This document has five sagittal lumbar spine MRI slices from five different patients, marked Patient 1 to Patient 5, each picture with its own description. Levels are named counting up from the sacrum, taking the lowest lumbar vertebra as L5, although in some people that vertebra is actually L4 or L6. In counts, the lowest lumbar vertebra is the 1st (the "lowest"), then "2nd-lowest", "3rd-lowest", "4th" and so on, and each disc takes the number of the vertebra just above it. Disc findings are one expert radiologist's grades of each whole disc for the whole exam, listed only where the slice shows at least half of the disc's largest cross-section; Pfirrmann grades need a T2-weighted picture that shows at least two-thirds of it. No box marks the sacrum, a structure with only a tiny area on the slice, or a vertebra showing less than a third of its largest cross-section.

Patient 1 of 5:
Scanner: Philips Healthcare Ingenia (3T). Sagittal T1-weighted lumbar spine MRI. Slice 8 of 24. Slice spacing 3.3 mm.
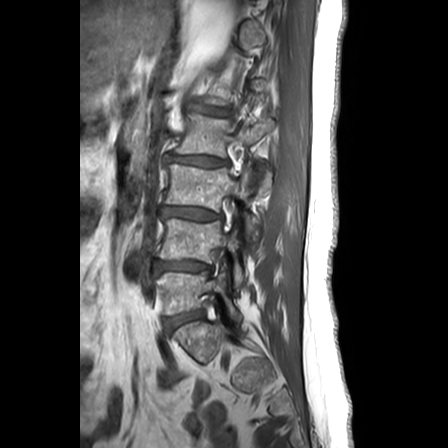
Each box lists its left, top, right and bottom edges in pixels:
Segmented structures:
• L1/L2 at left=196, top=106, right=229, bottom=115
• L2 vertebra at left=177, top=114, right=274, bottom=157
• L4 at left=160, top=219, right=245, bottom=284
• L4/L5 at left=156, top=261, right=210, bottom=272
• IVD L5/S1 at left=164, top=309, right=204, bottom=329
• L3 at left=167, top=164, right=257, bottom=238
• L2/L3 at left=168, top=154, right=226, bottom=166
• L5 at left=157, top=264, right=240, bottom=319
• IVD L3/L4 at left=163, top=206, right=221, bottom=220

Per-level radiological findings:
- L4/L5: upper-endplate change, Modic type II, lower-endplate change, disc bulging
- L1/L2: disc narrowing, disc bulging
- L3/L4: disc narrowing, lower-endplate change, disc bulging, upper-endplate change, Modic type II
- L2/L3: upper-endplate change, disc narrowing, disc bulging, Modic type II, lower-endplate change

Patient 2 of 5:
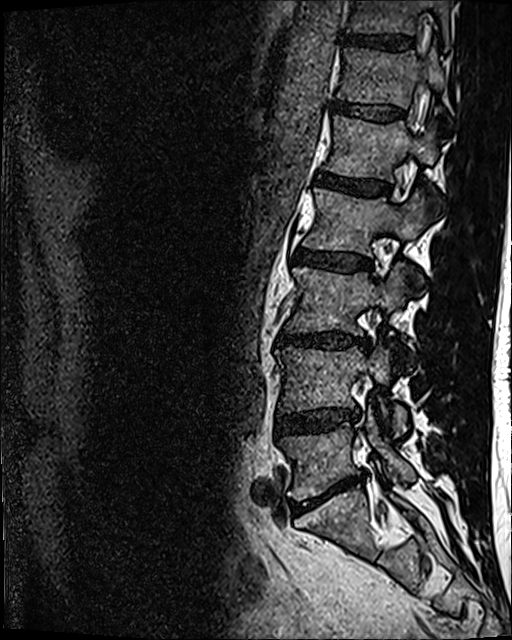
Sagittal slice index 46. Lumbar spine MR, T2 SPACE (3D), sagittal. Field of view 240x300 mm. Patient sex: M.
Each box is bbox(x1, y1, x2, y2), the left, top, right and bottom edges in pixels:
L5 vertebra: bbox(279, 409, 415, 499).
T12/L1: bbox(331, 102, 404, 119).
L3/L4: bbox(276, 331, 367, 348).
L4/L5: bbox(276, 408, 359, 433).
L1 vertebra: bbox(325, 115, 437, 181).
T11/T12: bbox(341, 34, 413, 51).
T12 vertebra: bbox(337, 47, 443, 106).
L2/L3: bbox(294, 249, 372, 271).
T11 vertebra: bbox(347, 0, 449, 48).
IVD L5/S1: bbox(291, 474, 360, 511).
L4: bbox(276, 345, 407, 434).
L3 vertebra: bbox(287, 265, 414, 351).
L2 vertebra: bbox(303, 187, 429, 255).
L1/L2: bbox(315, 172, 389, 196).

Radiological gradings:
  L1/L2: Pfirrmann grade 4
  L4/L5: Pfirrmann grade 3, disc narrowing, disc bulging
  L2/L3: Pfirrmann grade 3, disc bulging
  T11/T12: Pfirrmann grade 4
  L3/L4: Pfirrmann grade 4, disc narrowing, lower-endplate change, disc bulging
  T12/L1: Pfirrmann grade 3

Patient 3 of 5:
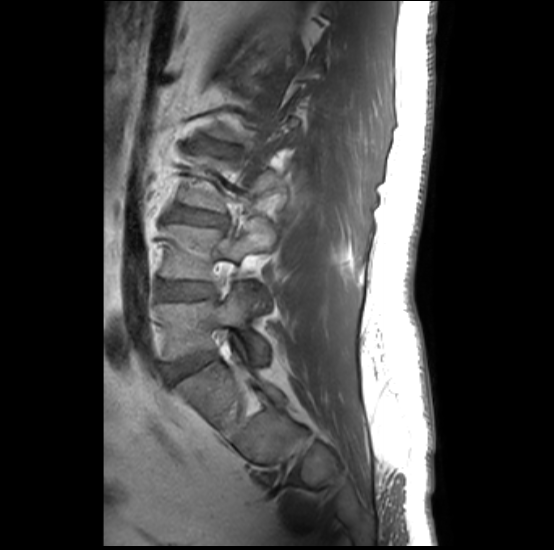 Slice 10 of 32, MRI lumbar spine (T1-weighted), sagittal plane
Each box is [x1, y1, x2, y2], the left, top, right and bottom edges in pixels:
L4/L5 at [160, 281, 213, 299], L2/L3 at [201, 141, 236, 155], disc L5/S1 at [172, 353, 208, 376], L3/L4 at [173, 207, 227, 227], L4 at [160, 222, 276, 280], L5 vertebra at [157, 285, 266, 360].

Degenerative findings by level:
  L4/L5: lower-endplate change, Modic type II, upper-endplate change
  L3/L4: upper-endplate change, Modic type II, lower-endplate change

Patient 4 of 5:
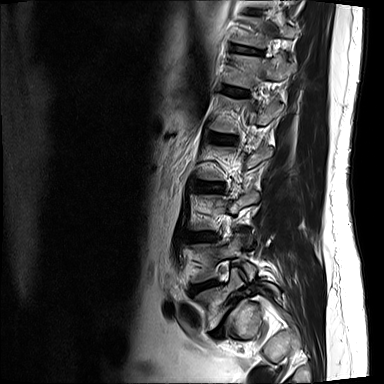 MRI lumbar spine (T2-weighted), sagittal plane
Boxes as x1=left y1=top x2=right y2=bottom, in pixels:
Segmented structures:
- T10/T11 = x1=248 y1=9 x2=260 y2=14
- L5 vertebra = x1=195 y1=268 x2=279 y2=330
- intervertebral disc L4/L5 = x1=190 y1=280 x2=217 y2=293
- T12/L1 = x1=222 y1=86 x2=248 y2=96
- T12 vertebra = x1=224 y1=54 x2=294 y2=88
- intervertebral disc L5/S1 = x1=212 y1=297 x2=240 y2=337
- L1 = x1=210 y1=94 x2=281 y2=132
- intervertebral disc L2/L3 = x1=194 y1=183 x2=223 y2=191
- intervertebral disc T11/T12 = x1=231 y1=44 x2=262 y2=53
- L4 vertebra = x1=192 y1=233 x2=256 y2=282
- T11 = x1=232 y1=18 x2=295 y2=47
- intervertebral disc L1/L2 = x1=208 y1=133 x2=235 y2=143
- L3/L4 = x1=184 y1=233 x2=217 y2=242

Radiological gradings:
- T11/T12: Pfirrmann grade 3, disc narrowing, lower-endplate change
- T12/L1: no herniation, bulging, narrowing, spondylolisthesis, endplate or Modic change recorded

Patient 5 of 5:
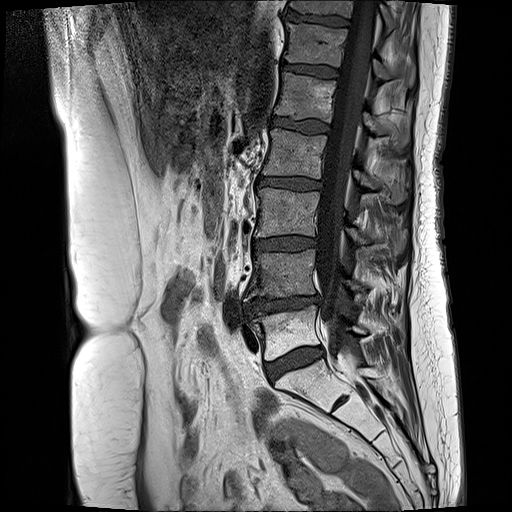 Sagittal slice index 11 | Lumbar spine MR, T1-weighted, sagittal | Sex F
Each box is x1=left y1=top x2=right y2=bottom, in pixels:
{"2nd-lowest vertebra": "x1=245 y1=249 x2=362 y2=305", "3rd-lowest disc": "x1=254 y1=237 x2=316 y2=250", "4th disc": "x1=257 y1=177 x2=322 y2=189", "3rd-lowest vertebra": "x1=255 y1=188 x2=402 y2=249", "lowest vertebra": "x1=251 y1=305 x2=364 y2=359", "5th vertebra": "x1=275 y1=73 x2=405 y2=141", "7th disc": "x1=284 y1=11 x2=350 y2=25", "6th vertebra": "x1=285 y1=22 x2=414 y2=83", "6th disc": "x1=281 y1=62 x2=339 y2=78", "4th vertebra": "x1=264 y1=129 x2=403 y2=202", "7th vertebra": "x1=288 y1=0 x2=393 y2=32", "lowest disc": "x1=267 y1=346 x2=322 y2=381", "2nd-lowest disc": "x1=244 y1=295 x2=318 y2=314", "5th disc": "x1=270 y1=117 x2=329 y2=133", "spinal canal": "x1=318 y1=1 x2=377 y2=353"}

Per-level radiological findings:
• 7th disc: upper-endplate change, Modic type II, lower-endplate change
• lowest disc: Modic type II, disc bulging
• 6th disc: Modic type II
• 4th disc: disc bulging, Modic type II
• 3rd-lowest disc: disc bulging, Modic type II
• 2nd-lowest disc: Modic type II, disc narrowing, lower-endplate change, upper-endplate change, disc bulging
• 5th disc: Modic type II